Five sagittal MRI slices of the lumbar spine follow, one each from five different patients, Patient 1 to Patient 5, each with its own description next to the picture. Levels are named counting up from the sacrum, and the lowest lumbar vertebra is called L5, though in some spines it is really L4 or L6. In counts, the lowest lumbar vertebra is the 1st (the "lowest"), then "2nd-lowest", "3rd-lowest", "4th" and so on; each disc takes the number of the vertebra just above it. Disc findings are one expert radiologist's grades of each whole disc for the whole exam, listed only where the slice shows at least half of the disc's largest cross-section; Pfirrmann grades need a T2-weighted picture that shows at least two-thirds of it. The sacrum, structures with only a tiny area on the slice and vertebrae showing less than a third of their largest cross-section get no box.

Patient 1 of 5:
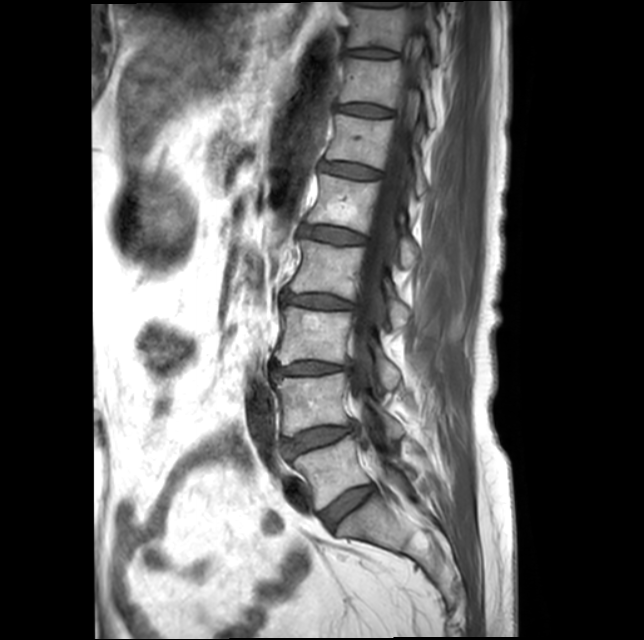 Sagittal slice index 10. Image 644x640. Sagittal T1-weighted lumbar spine MRI.
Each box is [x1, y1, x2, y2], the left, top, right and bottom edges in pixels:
IVD L2/L3 at [283, 294, 351, 308], L4 at [276, 373, 404, 436], L3 vertebra at [276, 307, 400, 388], IVD L4/L5 at [283, 425, 354, 456], IVD L1/L2 at [302, 226, 364, 243], T12 vertebra at [326, 114, 426, 194], IVD T10/T11 at [347, 48, 396, 58], T11 at [340, 58, 435, 127], L3/L4 at [273, 362, 345, 375], IVD T11/T12 at [338, 104, 394, 116], T10 at [347, 4, 440, 61], L5 vertebra at [293, 436, 414, 510], L5/S1 at [320, 486, 374, 528], L1 at [306, 174, 417, 266], thecal sac / spinal canal at [350, 2, 428, 476], L2 at [291, 239, 410, 328], IVD T12/L1 at [321, 163, 379, 178].

Per-level radiological findings:
• L2/L3: lower-endplate change, disc bulging, upper-endplate change, Modic type II, disc narrowing
• L3/L4: upper-endplate change, Modic type II, disc bulging, disc narrowing, lower-endplate change
• L1/L2: Modic type II
• L4/L5: Modic type II, lower-endplate change, disc bulging, upper-endplate change
• T11/T12, T10/T11, L5/S1, T12/L1: no spondylolisthesis, narrowing, bulging, herniation, Modic or endplate change recorded

Patient 2 of 5:
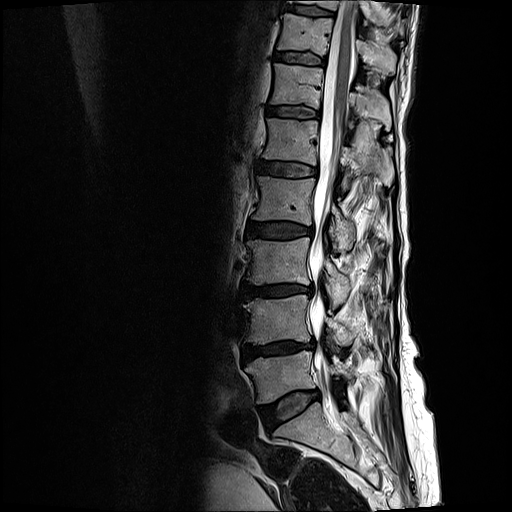

Field of view 300x300 mm. MRI lumbar spine (T2-weighted), sagittal plane.

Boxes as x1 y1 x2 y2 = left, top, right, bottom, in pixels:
T10/T11 at 286 6 333 15, T12 vertebra at 270 63 391 129, L4 at 243 295 354 345, disc L3/L4 at 242 282 313 297, L1 at 263 118 394 189, disc T11/T12 at 275 51 326 64, L5/S1 at 260 391 318 424, T10 at 295 0 403 33, disc L2/L3 at 247 219 312 238, disc T12/L1 at 267 105 318 119, L5 vertebra at 245 350 353 404, T11 at 278 13 397 74, disc L1/L2 at 259 161 316 177, L3 vertebra at 247 238 350 309, thecal sac / spinal canal at 309 0 355 393, L4/L5 at 243 338 314 359, L2 vertebra at 252 176 355 250.

Expert MSK radiologist gradings (per disc):
- L2/L3: Pfirrmann grade 3, disc bulging, upper-endplate change, Modic type II, lower-endplate change
- L4/L5: Pfirrmann grade 4, upper-endplate change, disc narrowing, disc bulging, lower-endplate change, Modic type II
- L1/L2: Pfirrmann grade 3, upper-endplate change, lower-endplate change, Modic type II
- L5/S1: Pfirrmann grade 2, disc bulging
- T11/T12: Pfirrmann grade 2, lower-endplate change, upper-endplate change, Modic type II
- T10/T11: Pfirrmann grade 2, upper-endplate change, lower-endplate change
- T12/L1: Pfirrmann grade 2, lower-endplate change, Modic type II, upper-endplate change
- L3/L4: Pfirrmann grade 4, disc narrowing, upper-endplate change, Modic type II, disc bulging, lower-endplate change

Patient 3 of 5:
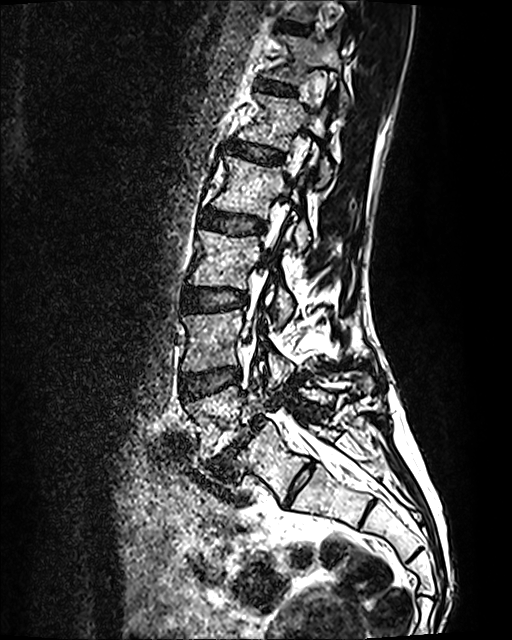
Patient sex: F. MRI lumbar spine (T2 SPACE (3D)), sagittal plane.
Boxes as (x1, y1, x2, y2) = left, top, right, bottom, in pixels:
IVD L5/S1 — (205, 416, 264, 473).
IVD L1/L2 — (230, 143, 282, 163).
IVD L4/L5 — (180, 367, 240, 399).
IVD T11/T12 — (278, 22, 309, 32).
T12 vertebra — (264, 32, 348, 112).
L4 vertebra — (182, 310, 293, 386).
L1 — (238, 93, 333, 186).
L2 — (212, 156, 310, 252).
L5 — (186, 369, 372, 460).
L2/L3 — (203, 209, 264, 233).
L3/L4 — (183, 288, 246, 311).
Spinal canal — (245, 145, 338, 464).
T12/L1 — (257, 81, 295, 94).
L3 — (189, 230, 293, 324).

Per-level radiological findings:
• L5/S1: Pfirrmann grade 5, Modic type II, disc bulging, disc narrowing, spondylolisthesis
• L1/L2: Pfirrmann grade 2
• L3/L4: Pfirrmann grade 2
• L4/L5: Pfirrmann grade 2
• L2/L3: Pfirrmann grade 2
• T12/L1: no herniation, bulging, narrowing, spondylolisthesis, endplate or Modic change recorded

Patient 4 of 5:
Patient sex: F. T2 SPACE (3D) sagittal MRI of the lumbar spine. Slice 43 of 120. 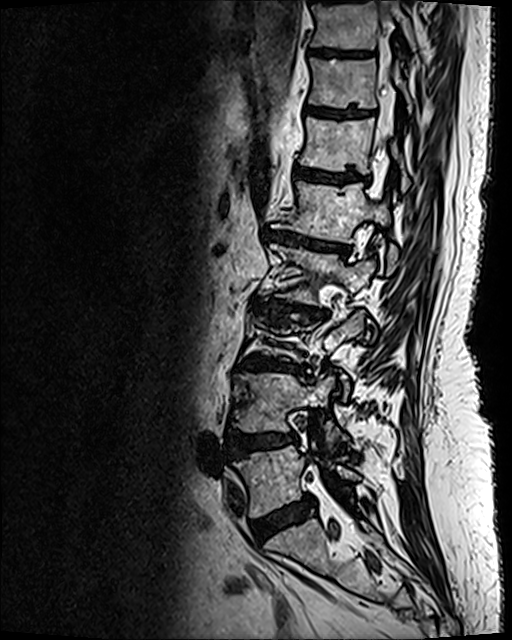
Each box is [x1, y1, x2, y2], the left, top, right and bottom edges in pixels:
T10 (8th vertebra) at [311, 0, 415, 51], L5 (lowest vertebra) at [234, 443, 359, 517], IVD L5/S1 (lowest disc) at [252, 497, 313, 540], T12 (6th vertebra) at [300, 117, 409, 192], T11 (7th vertebra) at [308, 57, 411, 111], L1/L2 (5th disc) at [263, 229, 348, 253], T11/T12 (7th disc) at [306, 106, 373, 118], L2 (4th vertebra) at [270, 244, 375, 304], IVD L2/L3 (4th disc) at [252, 298, 328, 320], IVD L3/L4 (3rd-lowest disc) at [237, 356, 302, 371], T12/L1 (6th disc) at [294, 167, 369, 182], thecal sac / spinal canal at [377, 8, 395, 166], IVD T10/T11 (8th disc) at [310, 48, 355, 56], L1 (5th vertebra) at [286, 181, 397, 266], L4/L5 (2nd-lowest disc) at [226, 430, 296, 456], L4 (2nd-lowest vertebra) at [231, 372, 346, 444].

Per-level radiological findings:
- L4/L5 (2nd-lowest disc): Pfirrmann grade 4, disc bulging, upper-endplate change, lower-endplate change
- T11/T12 (7th disc): Pfirrmann grade 4, upper-endplate change, lower-endplate change
- L1/L2 (5th disc): Pfirrmann grade 5, lower-endplate change, disc bulging, disc narrowing, Modic type II, upper-endplate change
- T10/T11 (8th disc): Pfirrmann grade 4, lower-endplate change, upper-endplate change
- L5/S1 (lowest disc): Pfirrmann grade 4, disc bulging
- T12/L1 (6th disc): Pfirrmann grade 4, Modic type II, upper-endplate change, lower-endplate change
- L2/L3 (4th disc): Pfirrmann grade 5, Modic type II, disc bulging, lower-endplate change, upper-endplate change, disc narrowing
- L3/L4 (3rd-lowest disc): lower-endplate change, disc narrowing, upper-endplate change, Modic type II, disc bulging

Patient 5 of 5:
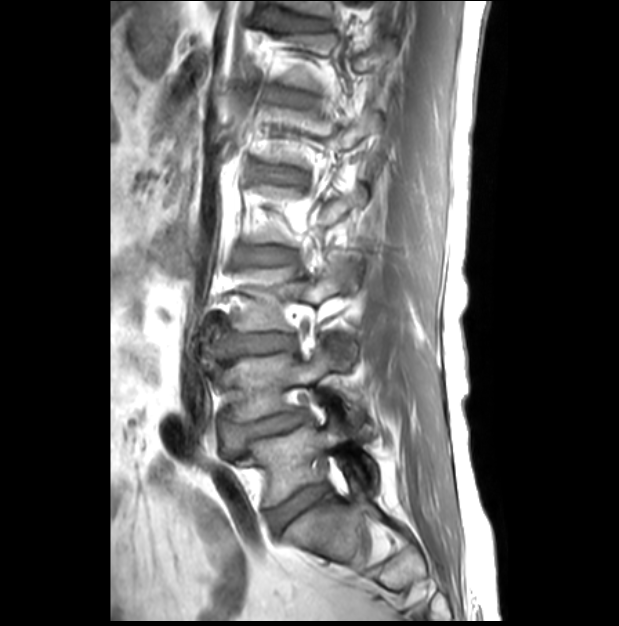
Sagittal T1-weighted lumbar spine MRI
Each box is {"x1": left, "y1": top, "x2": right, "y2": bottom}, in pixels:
L5: {"x1": 250, "y1": 416, "x2": 377, "y2": 504}
L4: {"x1": 232, "y1": 349, "x2": 341, "y2": 420}
IVD L1/L2: {"x1": 249, "y1": 163, "x2": 308, "y2": 189}
L5/S1: {"x1": 269, "y1": 484, "x2": 328, "y2": 531}
L3 vertebra: {"x1": 233, "y1": 260, "x2": 358, "y2": 331}
IVD L4/L5: {"x1": 238, "y1": 412, "x2": 300, "y2": 435}
IVD L3/L4: {"x1": 213, "y1": 329, "x2": 293, "y2": 360}
IVD T11/T12: {"x1": 301, "y1": 20, "x2": 318, "y2": 25}
IVD L2/L3: {"x1": 232, "y1": 244, "x2": 296, "y2": 265}
T12/L1: {"x1": 258, "y1": 87, "x2": 311, "y2": 106}

Expert MSK radiologist gradings (per disc):
• L2/L3, L3/L4, T12/L1, L5/S1: no Modic or endplate change, herniation, narrowing, bulging or spondylolisthesis recorded